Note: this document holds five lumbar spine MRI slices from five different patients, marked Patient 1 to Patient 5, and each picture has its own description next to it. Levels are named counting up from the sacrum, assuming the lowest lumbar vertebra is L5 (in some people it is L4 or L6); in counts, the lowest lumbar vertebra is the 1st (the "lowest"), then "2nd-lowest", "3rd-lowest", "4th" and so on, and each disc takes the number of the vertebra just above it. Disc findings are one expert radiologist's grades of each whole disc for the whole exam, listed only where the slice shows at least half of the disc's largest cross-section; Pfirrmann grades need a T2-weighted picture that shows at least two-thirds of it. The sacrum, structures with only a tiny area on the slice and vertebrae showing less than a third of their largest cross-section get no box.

Patient 1 of 5:
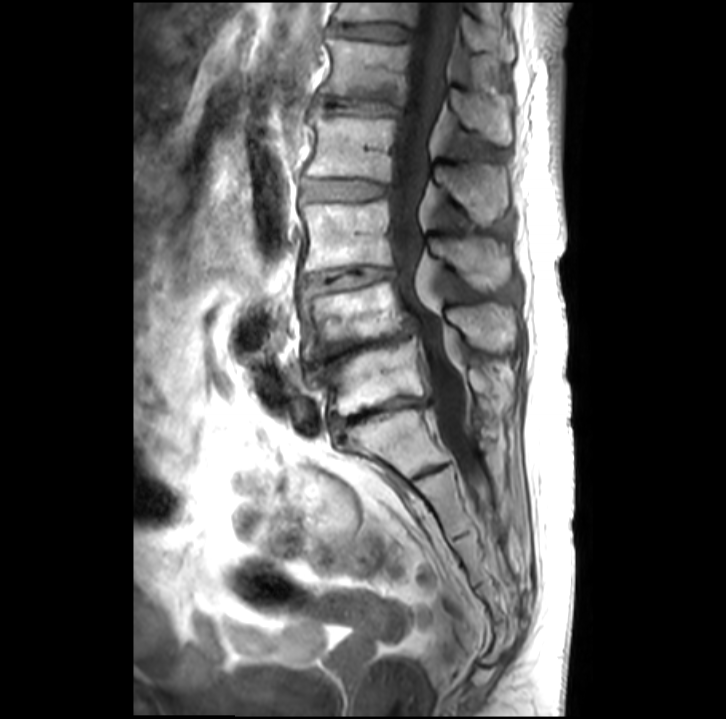 MRI lumbar spine (T1-weighted), sagittal plane | Image 726x719

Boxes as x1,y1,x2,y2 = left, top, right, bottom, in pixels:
Segmented structures:
* 4th disc at 302,179,387,198
* 6th vertebra at 335,1,514,59
* thecal sac / spinal canal at 388,0,481,484
* lowest vertebra at 323,338,512,415
* 5th vertebra at 321,36,513,143
* 4th vertebra at 306,106,508,223
* 3rd-lowest vertebra at 299,199,510,289
* 3rd-lowest disc at 301,266,394,290
* 6th disc at 331,23,409,39
* 5th disc at 326,98,397,113
* 2nd-lowest disc at 309,322,415,375
* lowest disc at 330,396,424,427
* 2nd-lowest vertebra at 299,280,516,359

Per-level radiological findings:
- 6th disc: disc bulging
- 2nd-lowest disc: disc narrowing
- lowest disc: disc narrowing, Modic type II
- 5th disc: disc bulging, disc narrowing
- 3rd-lowest disc: Modic type II, disc narrowing
- 4th disc: no Modic or endplate change, herniation, narrowing, bulging or spondylolisthesis recorded

Patient 2 of 5:
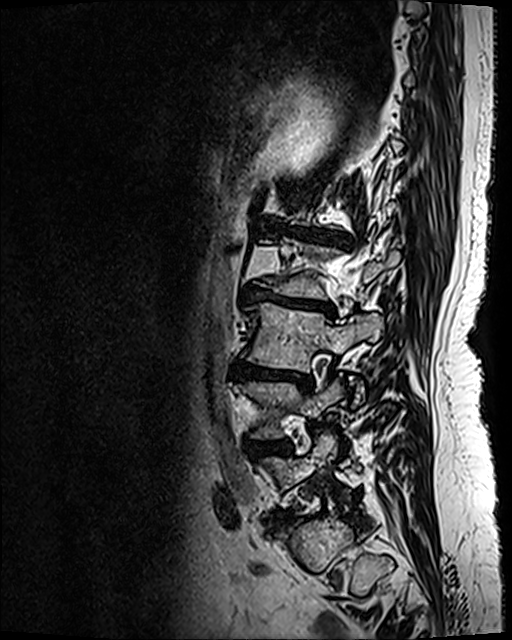 T2 SPACE (3D) sagittal MRI of the lumbar spine | Field of view 240x300 mm
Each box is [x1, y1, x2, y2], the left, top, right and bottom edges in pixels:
{"L1/L2": "[285, 227, 349, 243]", "L3 vertebra": "[242, 302, 380, 403]", "L4": "[234, 382, 342, 437]", "L5 vertebra": "[263, 434, 344, 488]", "L2": "[258, 238, 399, 299]", "L3/L4": "[229, 362, 312, 388]", "L5/S1": "[270, 512, 294, 528]", "intervertebral disc L4/L5": "[244, 441, 290, 456]", "L2/L3": "[242, 287, 333, 315]"}

Radiological gradings:
- L2/L3: Pfirrmann grade 5, disc bulging, disc narrowing, upper-endplate change, Modic type II, lower-endplate change
- L1/L2: Pfirrmann grade 5, lower-endplate change, disc bulging, Modic type II, upper-endplate change, disc narrowing
- L3/L4: Pfirrmann grade 5, disc bulging, disc narrowing, lower-endplate change, Modic type II, upper-endplate change

Patient 3 of 5:
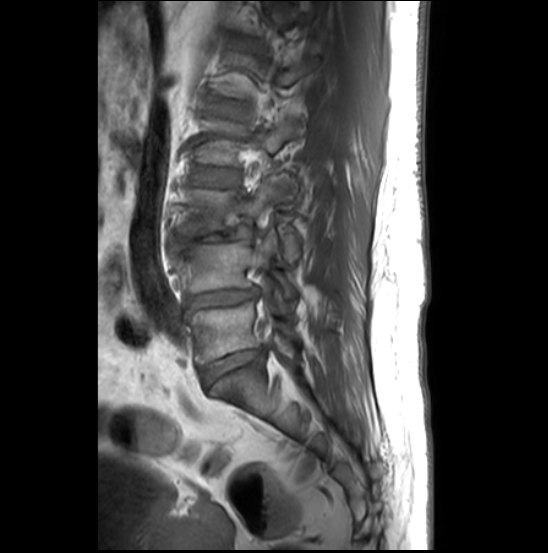 Slice spacing 3.3 mm; Image 548x553; MRI lumbar spine (T1-weighted), sagittal plane

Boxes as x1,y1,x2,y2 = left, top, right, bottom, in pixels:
4th disc at 192,167,238,187; 3rd-lowest vertebra at 176,180,301,261; lowest vertebra at 190,302,299,363; 3rd-lowest disc at 171,227,254,247; 5th disc at 208,98,249,119; 2nd-lowest disc at 186,288,259,310; lowest disc at 202,347,265,385; 4th vertebra at 195,118,299,165; 2nd-lowest vertebra at 171,231,298,297.

Radiological gradings:
• 3rd-lowest disc: lower-endplate change, upper-endplate change, Modic type II, spondylolisthesis, disc narrowing, disc herniation
• lowest disc: Modic type II, disc bulging, lower-endplate change, upper-endplate change, disc narrowing
• 2nd-lowest disc: Modic type II, upper-endplate change, disc bulging, lower-endplate change, disc narrowing
• 4th disc, 5th disc: no herniation, bulging, narrowing, spondylolisthesis, endplate or Modic change recorded

Patient 4 of 5:
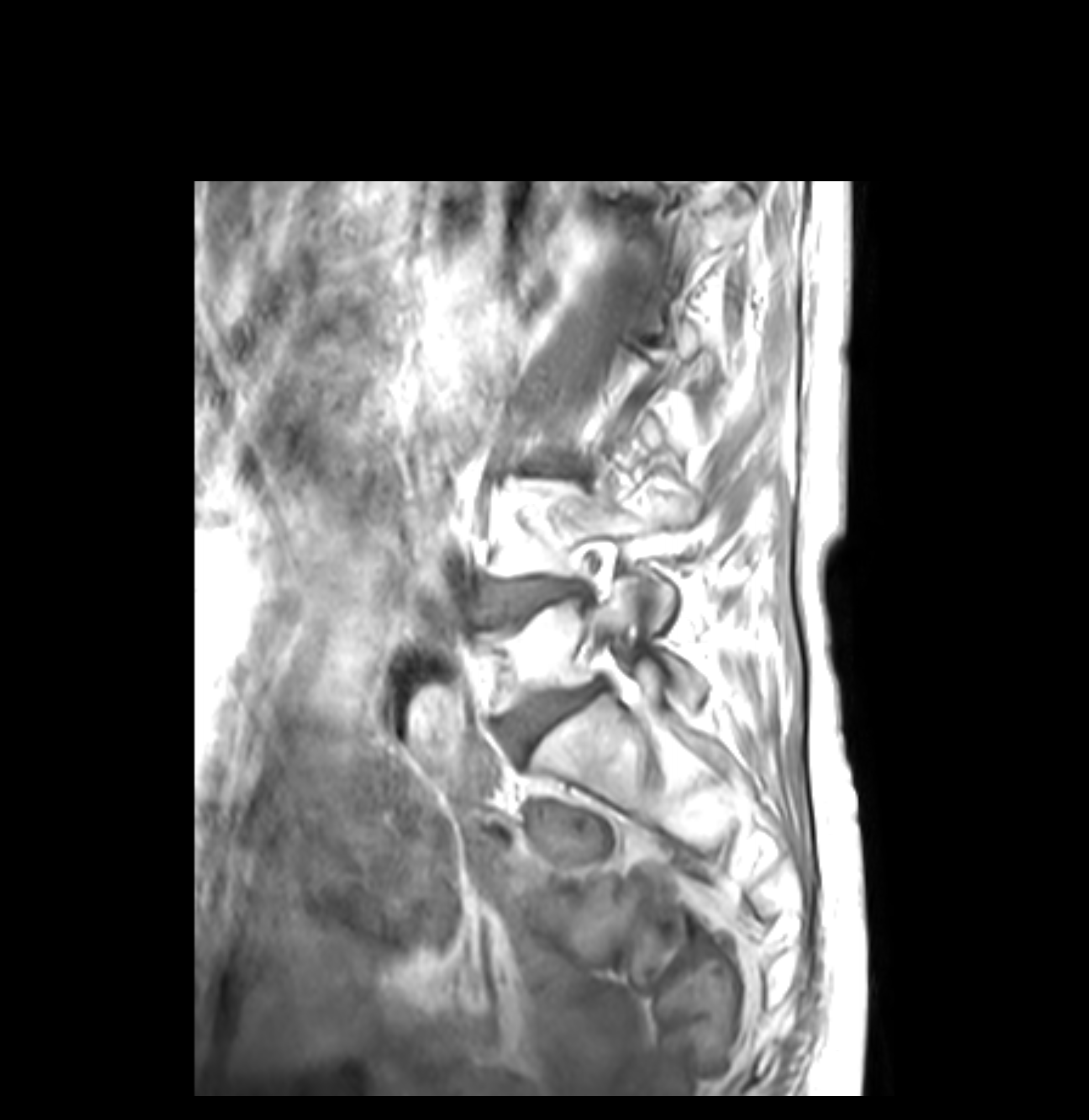 Sagittal T1-weighted lumbar spine MRI. Sex F. 1089x1120 px. Slice 11/36.

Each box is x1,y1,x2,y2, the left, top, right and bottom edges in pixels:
L5 — 474,574,705,711 | L5/S1 — 505,684,602,746 | L4/L5 — 481,578,578,624 | L4 vertebra — 491,481,700,629

Radiological gradings:
  L4/L5: upper-endplate change, lower-endplate change, disc bulging, Modic type II

Patient 5 of 5:
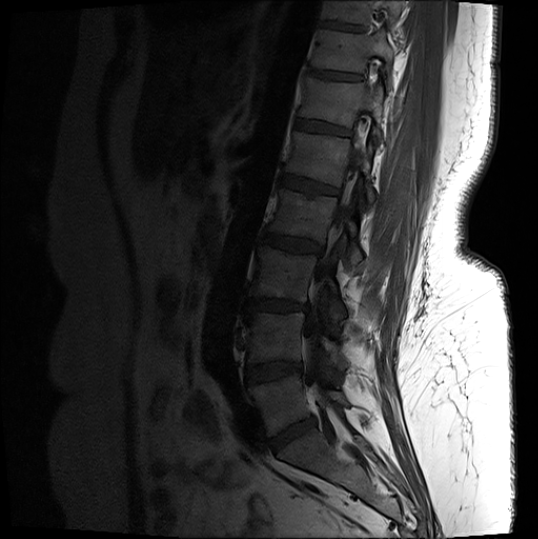 Patient sex: F, T1-weighted sagittal MRI of the lumbar spine, Field of view 300x300 mm, slice spacing 3.3 mm
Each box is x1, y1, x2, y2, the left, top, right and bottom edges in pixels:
8th disc — 318, 21, 365, 32 | 2nd-lowest disc — 246, 361, 301, 382 | 3rd-lowest disc — 246, 299, 307, 311 | 7th vertebra — 310, 30, 393, 86 | 4th vertebra — 268, 189, 362, 267 | 8th vertebra — 321, 1, 402, 25 | 5th disc — 281, 175, 338, 195 | thecal sac / spinal canal — 304, 87, 372, 415 | 3rd-lowest vertebra — 250, 246, 343, 317 | lowest disc — 270, 417, 316, 451 | 4th disc — 261, 232, 322, 254 | 6th disc — 296, 119, 349, 136 | 2nd-lowest vertebra — 244, 312, 347, 368 | 6th vertebra — 299, 77, 383, 140 | 5th vertebra — 285, 132, 374, 203 | lowest vertebra — 248, 374, 349, 435 | 7th disc — 307, 68, 362, 81

Degenerative findings by level:
  6th disc: upper-endplate change, lower-endplate change
  8th disc: lower-endplate change, upper-endplate change
  5th disc: lower-endplate change, upper-endplate change, Modic type II
  2nd-lowest disc: lower-endplate change, disc bulging, Modic type II
  7th disc: upper-endplate change
  lowest disc: disc bulging, disc narrowing
  4th disc: lower-endplate change, upper-endplate change, disc bulging
  3rd-lowest disc: disc bulging, upper-endplate change, disc narrowing, Modic type II, lower-endplate change